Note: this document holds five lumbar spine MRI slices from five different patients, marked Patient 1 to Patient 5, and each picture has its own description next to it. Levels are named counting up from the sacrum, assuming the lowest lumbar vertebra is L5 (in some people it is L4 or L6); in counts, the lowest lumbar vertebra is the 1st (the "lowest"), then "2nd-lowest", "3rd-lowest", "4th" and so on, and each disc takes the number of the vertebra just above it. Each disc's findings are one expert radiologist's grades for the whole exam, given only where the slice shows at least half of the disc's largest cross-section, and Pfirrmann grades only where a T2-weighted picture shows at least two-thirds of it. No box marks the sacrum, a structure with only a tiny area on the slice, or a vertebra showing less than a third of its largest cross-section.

Patient 1 of 5:
Patient sex: F. Sagittal T2 SPACE (3D) lumbar spine MRI. SIEMENS Avanto_fit (1.5T).

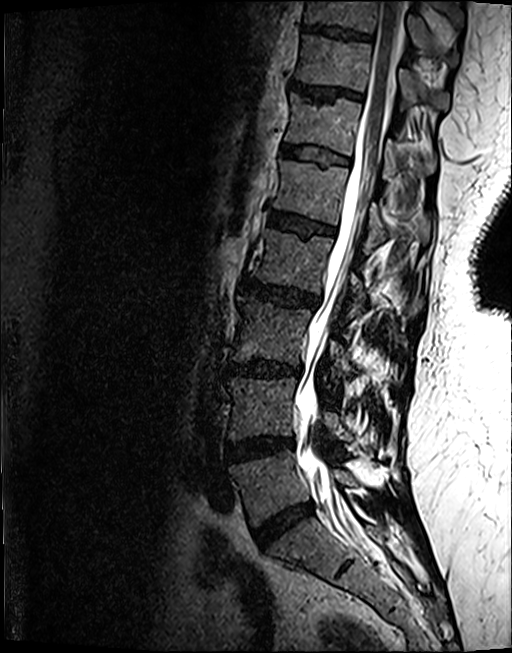 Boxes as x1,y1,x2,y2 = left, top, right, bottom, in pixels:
IVD L1/L2 (5th disc) = 268,211,334,234.
L3 (3rd-lowest vertebra) = 231,296,404,386.
L5/S1 (lowest disc) = 254,502,313,547.
Spinal canal = 294,0,405,546.
L5 (lowest vertebra) = 229,450,360,526.
IVD L4/L5 (2nd-lowest disc) = 226,437,293,461.
T11 (7th vertebra) = 296,33,448,109.
T12 (6th vertebra) = 285,93,435,175.
T10 (8th vertebra) = 305,0,458,65.
T12/L1 (6th disc) = 282,145,348,163.
L4 (2nd-lowest vertebra) = 227,375,380,453.
IVD L2/L3 (4th disc) = 241,278,318,307.
IVD L3/L4 (3rd-lowest disc) = 227,360,300,376.
L2 (4th vertebra) = 250,228,423,319.
IVD T10/T11 (8th disc) = 304,24,370,38.
L1 (5th vertebra) = 272,160,431,247.
IVD T11/T12 (7th disc) = 291,81,361,98.

Degenerative findings by level:
- L2/L3 (4th disc): Pfirrmann grade 4, disc bulging, lower-endplate change, upper-endplate change
- T12/L1 (6th disc): Pfirrmann grade 3, upper-endplate change, lower-endplate change
- L5/S1 (lowest disc): Pfirrmann grade 4, disc bulging, disc narrowing
- L4/L5 (2nd-lowest disc): Pfirrmann grade 4, lower-endplate change, disc bulging, Modic type II
- L1/L2 (5th disc): Pfirrmann grade 4, lower-endplate change, upper-endplate change, Modic type II
- L3/L4 (3rd-lowest disc): Pfirrmann grade 4, upper-endplate change, disc narrowing, Modic type II, disc bulging, lower-endplate change
- T10/T11 (8th disc): Pfirrmann grade 4, upper-endplate change, lower-endplate change
- T11/T12 (7th disc): Pfirrmann grade 4, upper-endplate change

Patient 2 of 5:
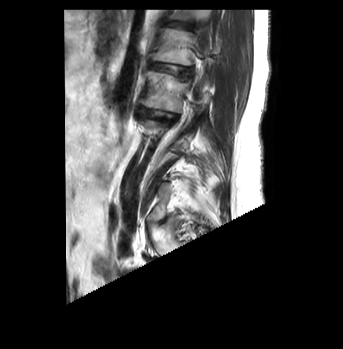
Sagittal T2-weighted lumbar spine MRI; Slice spacing 3.2 mm
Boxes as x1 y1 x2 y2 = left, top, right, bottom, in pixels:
L2/L3: 138 106 177 122 | disc L1/L2: 148 62 192 77 | L1 vertebra: 152 28 192 65 | L2: 140 70 189 112 | T12/L1: 166 22 190 29

Radiological gradings:
- L2/L3: Pfirrmann grade 4, lower-endplate change, disc narrowing, disc bulging, Modic type II
- L1/L2: Pfirrmann grade 3, upper-endplate change

Patient 3 of 5:
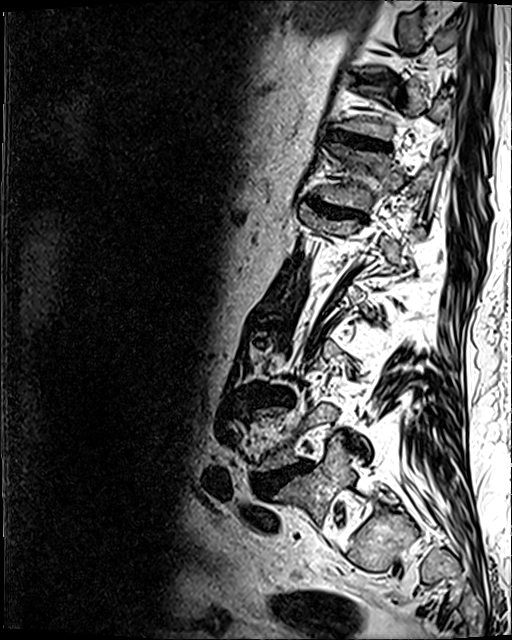 T2 SPACE (3D) sagittal MRI of the lumbar spine; Image 512x640; Slice 93/120

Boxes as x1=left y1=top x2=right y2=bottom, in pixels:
IVD L3/L4 at x1=274 y1=392 x2=286 y2=401 | IVD T12/L1 at x1=311 y1=201 x2=363 y2=218 | L4/L5 at x1=255 y1=462 x2=310 y2=496 | L5 vertebra at x1=274 y1=438 x2=355 y2=522 | T11/T12 at x1=330 y1=132 x2=388 y2=149 | T12 at x1=320 y1=143 x2=439 y2=210

Degenerative findings by level:
• T11/T12: upper-endplate change, disc narrowing, lower-endplate change, disc bulging
• L4/L5: Pfirrmann grade 5, disc narrowing, disc herniation, disc bulging, Modic type II, upper-endplate change, lower-endplate change

Patient 4 of 5:
Lumbar spine MR, T2-weighted, sagittal, Sex F
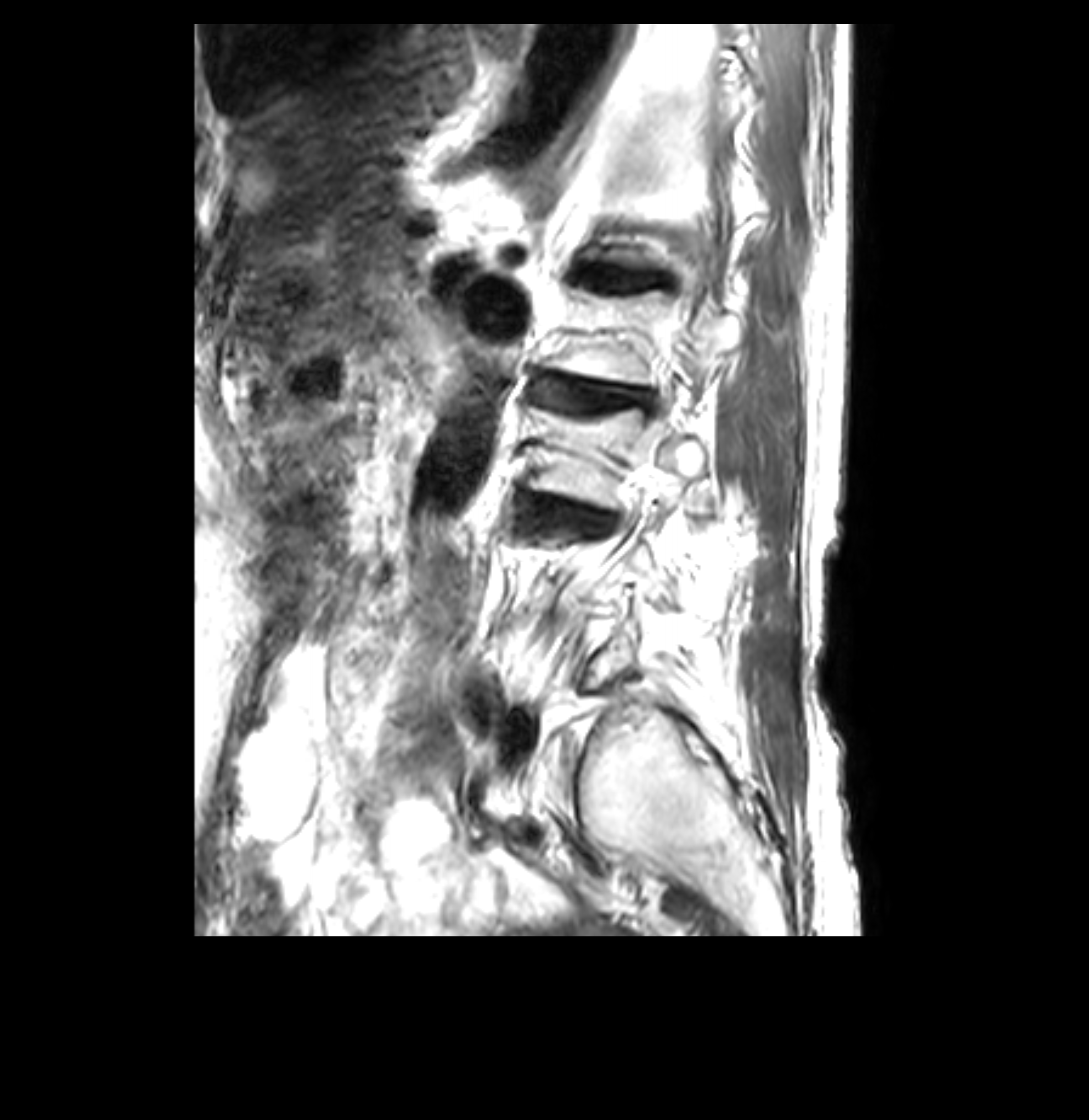

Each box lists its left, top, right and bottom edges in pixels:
L3 at left=523, top=403, right=705, bottom=511; L2 vertebra at left=540, top=289, right=746, bottom=384; intervertebral disc L1/L2 at left=584, top=270, right=671, bottom=290; L3/L4 at left=518, top=494, right=554, bottom=508; L2/L3 at left=535, top=375, right=653, bottom=410.

Expert MSK radiologist gradings (per disc):
• L2/L3: upper-endplate change, disc bulging, disc narrowing, Modic type II, lower-endplate change

Patient 5 of 5:
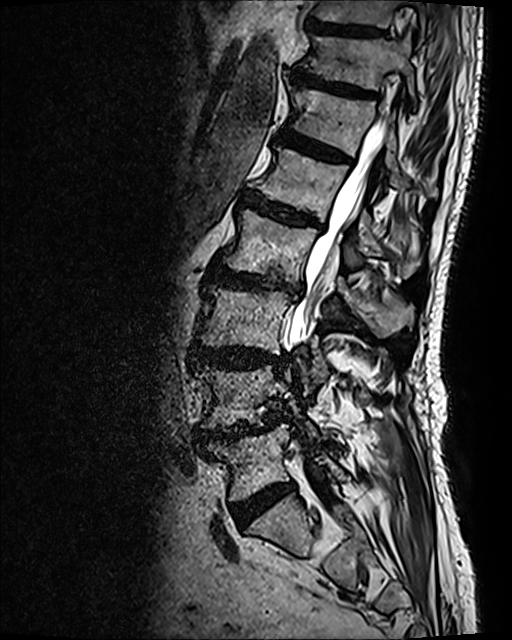 Sagittal slice index 74, Sagittal T2 SPACE (3D) lumbar spine MRI, Patient sex: M
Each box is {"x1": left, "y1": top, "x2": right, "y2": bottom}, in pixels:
• 2nd-lowest vertebra: {"x1": 196, "y1": 367, "x2": 316, "y2": 435}
• 3rd-lowest vertebra: {"x1": 197, "y1": 285, "x2": 386, "y2": 395}
• 6th vertebra: {"x1": 288, "y1": 87, "x2": 406, "y2": 186}
• 8th disc: {"x1": 305, "y1": 22, "x2": 384, "y2": 39}
• 7th vertebra: {"x1": 304, "y1": 36, "x2": 415, "y2": 99}
• 7th disc: {"x1": 291, "y1": 68, "x2": 378, "y2": 98}
• spinal canal: {"x1": 288, "y1": 114, "x2": 387, "y2": 350}
• 2nd-lowest disc: {"x1": 198, "y1": 425, "x2": 268, "y2": 442}
• 6th disc: {"x1": 278, "y1": 128, "x2": 346, "y2": 160}
• 4th vertebra: {"x1": 223, "y1": 209, "x2": 413, "y2": 335}
• 3rd-lowest disc: {"x1": 190, "y1": 345, "x2": 281, "y2": 368}
• 4th disc: {"x1": 211, "y1": 266, "x2": 303, "y2": 297}
• lowest disc: {"x1": 232, "y1": 482, "x2": 294, "y2": 525}
• 5th disc: {"x1": 241, "y1": 193, "x2": 320, "y2": 229}
• 8th vertebra: {"x1": 312, "y1": 0, "x2": 426, "y2": 45}
• lowest vertebra: {"x1": 209, "y1": 424, "x2": 346, "y2": 499}
• 5th vertebra: {"x1": 254, "y1": 147, "x2": 421, "y2": 276}

Expert MSK radiologist gradings (per disc):
  4th disc: Pfirrmann grade 4, upper-endplate change, disc narrowing, Modic type I, lower-endplate change, disc bulging
  3rd-lowest disc: Pfirrmann grade 4, lower-endplate change, disc bulging, upper-endplate change
  7th disc: Pfirrmann grade 4, lower-endplate change, upper-endplate change, disc bulging
  5th disc: Pfirrmann grade 4, upper-endplate change, Modic type II, lower-endplate change, disc bulging
  6th disc: upper-endplate change, disc bulging, Modic type II, lower-endplate change
  8th disc: Pfirrmann grade 3
  lowest disc: no herniation, bulging, narrowing, spondylolisthesis, endplate or Modic change recorded